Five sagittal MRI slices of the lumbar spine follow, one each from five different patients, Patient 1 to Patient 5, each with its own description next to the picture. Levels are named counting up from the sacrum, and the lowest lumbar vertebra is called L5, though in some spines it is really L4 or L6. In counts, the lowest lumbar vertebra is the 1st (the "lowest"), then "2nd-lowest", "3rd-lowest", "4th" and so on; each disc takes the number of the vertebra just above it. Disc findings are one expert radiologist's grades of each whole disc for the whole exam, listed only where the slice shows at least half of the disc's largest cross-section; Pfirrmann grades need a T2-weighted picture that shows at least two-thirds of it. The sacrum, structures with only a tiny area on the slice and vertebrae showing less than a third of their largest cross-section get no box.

Patient 1 of 5:
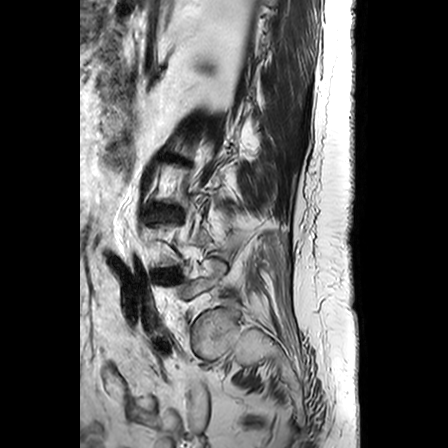 MRI lumbar spine (T2-weighted), sagittal plane

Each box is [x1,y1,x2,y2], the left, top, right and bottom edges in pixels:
Intervertebral disc L4/L5 = [159,270,174,276].
Intervertebral disc L2/L3 = [165,155,190,163].

Patient 2 of 5:
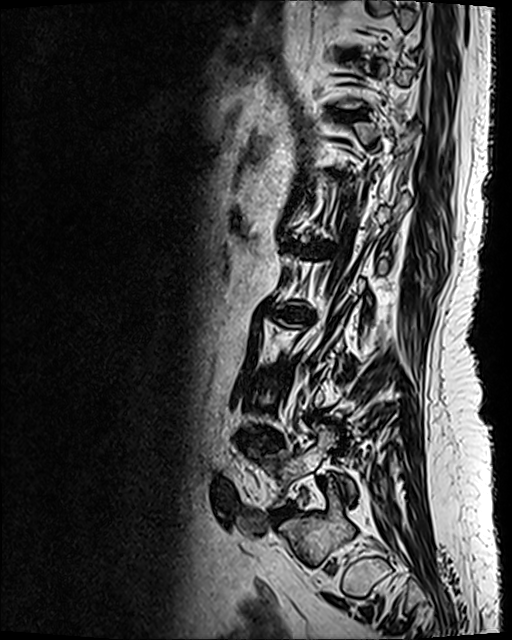 T2 SPACE (3D) sagittal MRI of the lumbar spine.

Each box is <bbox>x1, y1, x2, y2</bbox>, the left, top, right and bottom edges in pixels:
4th disc at <bbox>273, 308, 307, 320</bbox>, lowest vertebra at <bbox>263, 425, 354, 507</bbox>, 5th disc at <bbox>297, 245, 334, 256</bbox>, 7th disc at <bbox>344, 113, 360, 118</bbox>.

Patient 3 of 5:
MRI lumbar spine (T2-weighted), sagittal plane | Field of view 310x311 mm, slice spacing 4.4 mm | Sagittal slice index 7 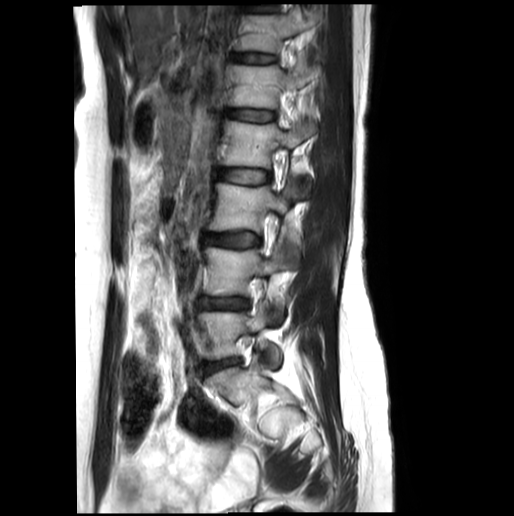

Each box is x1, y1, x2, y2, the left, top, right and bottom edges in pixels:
Intervertebral disc L4/L5 at 201, 297, 247, 309; intervertebral disc L1/L2 at 226, 109, 275, 121; T12 at 235, 14, 317, 58; L4 at 204, 247, 286, 295; T12/L1 at 232, 53, 275, 63; L2/L3 at 218, 168, 270, 184; L3 vertebra at 209, 183, 291, 232; L5/S1 at 206, 360, 238, 373; L5 at 199, 302, 281, 365; L1 at 227, 65, 306, 108; L3/L4 at 204, 232, 261, 246; L2 vertebra at 222, 120, 317, 168.

Per-level radiological findings:
- L2/L3: Pfirrmann grade 2
- L4/L5: disc bulging, disc narrowing
- L1/L2: Pfirrmann grade 2
- T12/L1: Pfirrmann grade 2
- L3/L4: Pfirrmann grade 3

Patient 4 of 5:
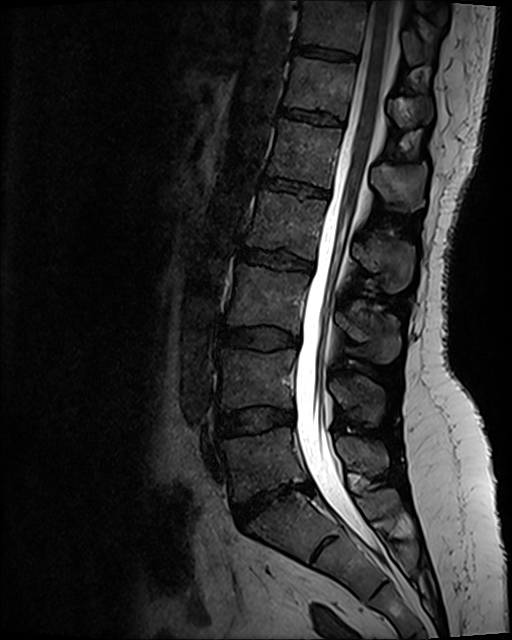

T2 SPACE (3D) sagittal MRI of the lumbar spine; Sagittal slice index 57; Image 512x640; Field of view 240x300 mm, slice spacing 0.9 mm

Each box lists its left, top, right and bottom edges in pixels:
L2 at left=245, top=192, right=414, bottom=292.
L5 vertebra at left=222, top=428, right=388, bottom=499.
Intervertebral disc L5/S1 at left=234, top=485, right=312, bottom=527.
L3 vertebra at left=227, top=267, right=400, bottom=363.
L1 at left=269, top=121, right=426, bottom=210.
Intervertebral disc L2/L3 at left=240, top=249, right=313, bottom=270.
L3/L4 at left=222, top=328, right=299, bottom=349.
L1/L2 at left=262, top=179, right=327, bottom=197.
L4 vertebra at left=220, top=350, right=384, bottom=426.
T12/L1 at left=281, top=108, right=342, bottom=128.
Spinal canal at left=294, top=1, right=394, bottom=551.
T11/T12 at left=295, top=49, right=353, bottom=60.
T12 vertebra at left=285, top=58, right=432, bottom=126.
L4/L5 at left=217, top=409, right=292, bottom=437.
T11 at left=301, top=2, right=429, bottom=63.

Radiological gradings:
• L4/L5: Pfirrmann grade 2, disc bulging
• L2/L3: Pfirrmann grade 4, disc bulging, upper-endplate change, lower-endplate change
• L1/L2: Pfirrmann grade 2, upper-endplate change, lower-endplate change
• T12/L1: Pfirrmann grade 2, upper-endplate change, lower-endplate change
• L5/S1: Pfirrmann grade 1, disc bulging, disc herniation, disc narrowing
• L3/L4: Pfirrmann grade 2, disc bulging
• T11/T12: Pfirrmann grade 2

Patient 5 of 5:
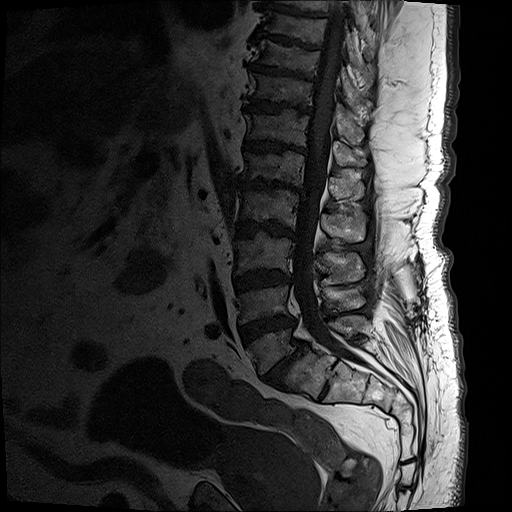 Sagittal slice index 10; Image 512x512; MRI lumbar spine (T1-weighted), sagittal plane
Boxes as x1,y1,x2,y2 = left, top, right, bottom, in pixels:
Structures:
• L4: 239,285,363,322
• intervertebral disc L2/L3: 236,220,294,237
• L1 vertebra: 241,150,365,202
• intervertebral disc T11/T12: 243,97,313,113
• T10/T11: 249,62,317,82
• L5/S1: 262,341,303,386
• L1/L2: 239,179,306,196
• spinal canal: 292,1,371,366
• T11: 248,71,362,141
• T10 vertebra: 253,38,361,113
• intervertebral disc L3/L4: 234,269,290,291
• L4/L5: 237,315,296,343
• L3: 235,232,364,276
• intervertebral disc T12/L1: 243,139,306,153
• T9/T10: 249,35,322,49
• L2: 239,187,368,241
• T12 vertebra: 243,108,366,165
• L5 vertebra: 247,313,368,373

Degenerative findings by level:
  L2/L3: disc narrowing, Modic type II, upper-endplate change, lower-endplate change, disc bulging
  T12/L1: lower-endplate change, disc narrowing, Modic type II, upper-endplate change, disc bulging
  L1/L2: upper-endplate change, disc narrowing, Modic type II, disc bulging, lower-endplate change
  L5/S1: lower-endplate change, disc bulging, disc narrowing, Modic type II, spondylolisthesis, upper-endplate change
  L3/L4: upper-endplate change, lower-endplate change, disc bulging, Modic type II, disc narrowing
  T11/T12: disc bulging, disc narrowing, lower-endplate change, Modic type II, upper-endplate change
  T10/T11: Modic type II, lower-endplate change, disc narrowing, disc bulging, upper-endplate change
  T9/T10: disc narrowing, upper-endplate change, lower-endplate change, disc bulging, Modic type II
  L4/L5: Modic type II, upper-endplate change, disc narrowing, lower-endplate change, disc bulging